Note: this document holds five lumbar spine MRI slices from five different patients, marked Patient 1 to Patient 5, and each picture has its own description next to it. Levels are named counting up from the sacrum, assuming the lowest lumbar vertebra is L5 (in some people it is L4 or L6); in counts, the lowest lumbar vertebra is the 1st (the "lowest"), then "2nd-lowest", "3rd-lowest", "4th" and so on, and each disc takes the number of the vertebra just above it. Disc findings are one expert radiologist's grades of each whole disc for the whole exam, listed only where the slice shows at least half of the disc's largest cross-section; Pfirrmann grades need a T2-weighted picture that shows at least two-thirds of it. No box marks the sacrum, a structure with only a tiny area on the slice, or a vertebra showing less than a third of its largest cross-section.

Patient 1 of 5:
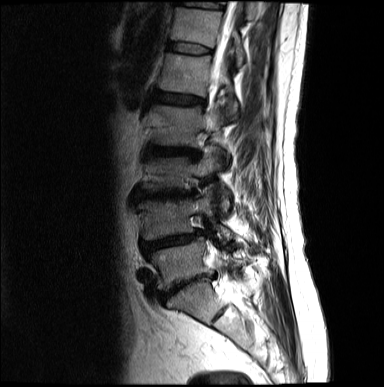
Slice spacing 4.8 mm. Slice 12 of 17. Sagittal T2-weighted lumbar spine MRI.

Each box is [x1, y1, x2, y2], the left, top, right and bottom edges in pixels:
Annotations:
- 2nd-lowest vertebra: [138, 188, 233, 240]
- 5th disc: [155, 91, 204, 104]
- 5th vertebra: [159, 53, 237, 115]
- thecal sac / spinal canal: [211, 1, 247, 302]
- 6th vertebra: [171, 7, 244, 66]
- 3rd-lowest disc: [138, 190, 190, 200]
- 3rd-lowest vertebra: [144, 153, 229, 210]
- 6th disc: [169, 43, 210, 54]
- 2nd-lowest disc: [141, 232, 203, 256]
- lowest vertebra: [150, 236, 246, 290]
- 4th disc: [146, 145, 199, 158]
- 7th disc: [181, 1, 223, 9]
- lowest disc: [159, 273, 213, 302]
- 4th vertebra: [151, 97, 227, 157]

Per-level radiological findings:
- 3rd-lowest disc: disc bulging, lower-endplate change, upper-endplate change, disc narrowing
- 7th disc: Pfirrmann grade 2
- 4th disc: Pfirrmann grade 4, lower-endplate change, upper-endplate change, disc bulging, disc narrowing
- lowest disc: Pfirrmann grade 5, upper-endplate change, disc narrowing, disc bulging, lower-endplate change
- 2nd-lowest disc: Pfirrmann grade 4, disc bulging, lower-endplate change, disc narrowing, upper-endplate change
- 6th disc: Pfirrmann grade 2
- 5th disc: Pfirrmann grade 3, lower-endplate change, upper-endplate change, disc bulging

Patient 2 of 5:
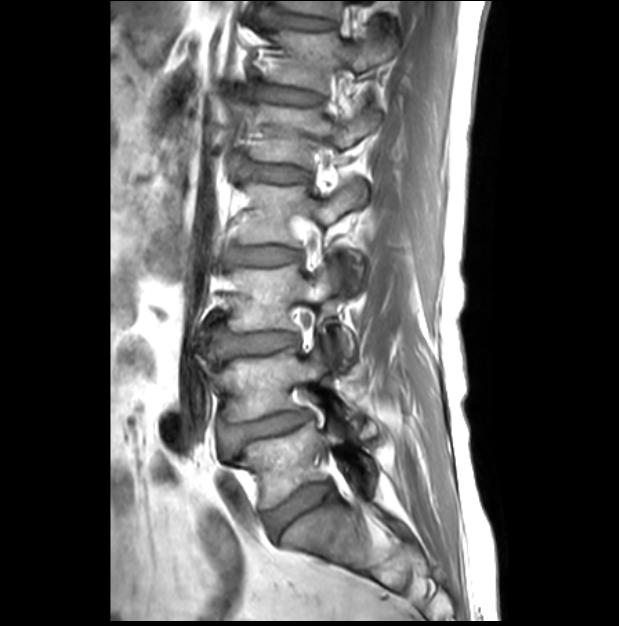
Lumbar spine MR, T1-weighted, sagittal

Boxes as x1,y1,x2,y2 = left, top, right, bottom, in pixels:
Structures:
• L5/S1 (lowest disc) — 265,481,332,534
• disc T12/L1 (6th disc) — 247,81,317,104
• L1 (5th vertebra) — 251,105,379,168
• L1/L2 (5th disc) — 232,155,310,182
• L2 (4th vertebra) — 240,180,365,246
• disc T11/T12 (7th disc) — 275,13,332,30
• L4 (2nd-lowest vertebra) — 222,349,359,433
• L3 (3rd-lowest vertebra) — 229,265,355,370
• L2/L3 (4th disc) — 228,246,299,266
• disc L3/L4 (3rd-lowest disc) — 214,327,296,365
• L5 (lowest vertebra) — 238,422,373,507
• disc L4/L5 (2nd-lowest disc) — 225,411,308,441
• T12 (6th vertebra) — 271,30,394,90
• T11 (7th vertebra) — 280,1,341,18

Radiological gradings:
• L4/L5 (2nd-lowest disc): upper-endplate change, disc bulging, disc narrowing, lower-endplate change, spondylolisthesis
• L2/L3 (4th disc), T12/L1 (6th disc), L3/L4 (3rd-lowest disc), T11/T12 (7th disc), L1/L2 (5th disc), L5/S1 (lowest disc): no spondylolisthesis, narrowing, bulging, herniation, Modic or endplate change recorded

Patient 3 of 5:
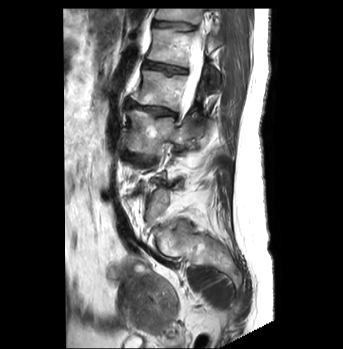

Sagittal slice index 14; Lumbar spine MR, T2-weighted, sagittal

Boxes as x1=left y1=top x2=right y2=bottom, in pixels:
Annotations:
• T12 (6th vertebra): x1=155 y1=9 x2=203 y2=24
• IVD L3/L4 (3rd-lowest disc): x1=125 y1=153 x2=154 y2=163
• L3 (3rd-lowest vertebra): x1=127 y1=110 x2=201 y2=155
• L2/L3 (4th disc): x1=126 y1=100 x2=176 y2=117
• L1 (5th vertebra): x1=147 y1=28 x2=222 y2=90
• L2 (4th vertebra): x1=131 y1=70 x2=205 y2=111
• L1/L2 (5th disc): x1=143 y1=60 x2=187 y2=74
• spinal canal: x1=183 y1=32 x2=203 y2=95
• T12/L1 (6th disc): x1=153 y1=21 x2=195 y2=30

Radiological gradings:
• L1/L2 (5th disc): Pfirrmann grade 3, upper-endplate change
• L3/L4 (3rd-lowest disc): disc bulging, Modic type II
• T12/L1 (6th disc): Pfirrmann grade 1, upper-endplate change
• L2/L3 (4th disc): Pfirrmann grade 4, disc bulging, disc narrowing, Modic type II, lower-endplate change

Patient 4 of 5:
MRI lumbar spine (T2-weighted), sagittal plane; Slice spacing 4.8 mm; Patient sex: F 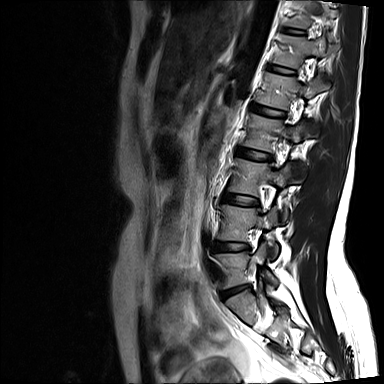
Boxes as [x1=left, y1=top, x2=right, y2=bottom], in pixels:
L2/L3: [x1=235, y1=147, x2=269, y2=159]
L5: [x1=213, y1=242, x2=277, y2=286]
L3: [x1=228, y1=158, x2=292, y2=222]
L4/L5: [x1=213, y1=241, x2=248, y2=249]
L1/L2: [x1=252, y1=104, x2=284, y2=116]
L4: [x1=219, y1=205, x2=278, y2=259]
L2 vertebra: [x1=243, y1=113, x2=305, y2=181]
T11: [x1=285, y1=0, x2=338, y2=27]
T11/T12: [x1=282, y1=27, x2=304, y2=34]
L3/L4: [x1=223, y1=194, x2=257, y2=205]
disc L5/S1: [x1=223, y1=285, x2=242, y2=296]
T12: [x1=271, y1=34, x2=328, y2=67]
L1 vertebra: [x1=258, y1=73, x2=329, y2=136]
T12/L1: [x1=267, y1=64, x2=294, y2=73]

Expert MSK radiologist gradings (per disc):
  L1/L2: Pfirrmann grade 2
  L2/L3: Pfirrmann grade 2
  L4/L5: Pfirrmann grade 3, disc narrowing
  T12/L1: Pfirrmann grade 2
  L3/L4: Pfirrmann grade 2
  T11/T12: Pfirrmann grade 2

Patient 5 of 5:
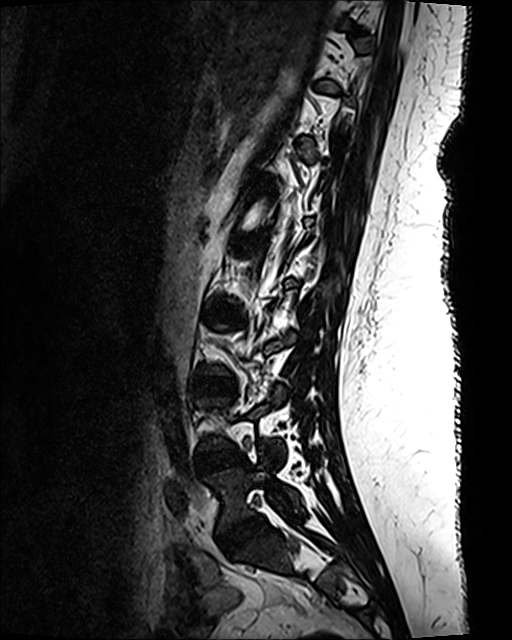
Patient sex: F | Sagittal T2 SPACE (3D) lumbar spine MRI | 512x640 px
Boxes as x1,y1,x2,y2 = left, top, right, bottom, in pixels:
Intervertebral disc L5/S1 (lowest disc) = 218,515,264,555.
L2/L3 (4th disc) = 207,307,236,320.
L5 (lowest vertebra) = 205,462,302,532.
L3/L4 (3rd-lowest disc) = 195,378,234,395.
Intervertebral disc L4/L5 (2nd-lowest disc) = 197,448,244,472.

Degenerative findings by level:
- L5/S1 (lowest disc), L4/L5 (2nd-lowest disc): no spondylolisthesis, narrowing, bulging, herniation, Modic or endplate change recorded